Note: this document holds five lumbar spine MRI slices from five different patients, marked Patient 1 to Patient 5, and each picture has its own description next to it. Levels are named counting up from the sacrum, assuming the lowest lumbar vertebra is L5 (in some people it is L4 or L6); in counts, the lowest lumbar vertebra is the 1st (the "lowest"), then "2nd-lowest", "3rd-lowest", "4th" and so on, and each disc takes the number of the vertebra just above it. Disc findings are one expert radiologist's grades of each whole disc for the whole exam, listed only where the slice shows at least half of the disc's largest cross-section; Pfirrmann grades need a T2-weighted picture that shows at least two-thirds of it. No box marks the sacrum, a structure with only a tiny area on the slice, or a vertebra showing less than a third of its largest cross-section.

Patient 1 of 5:
Lumbar spine MR, T2-weighted, sagittal.
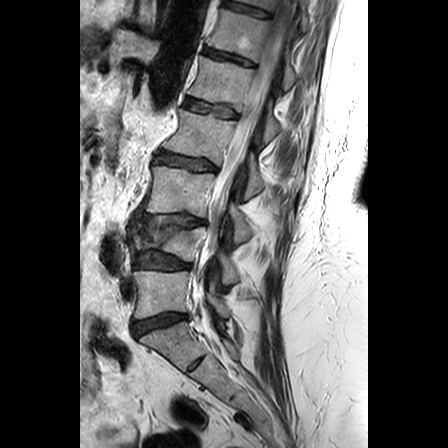
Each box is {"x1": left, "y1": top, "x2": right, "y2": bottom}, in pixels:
Segmented structures:
• 5th disc = {"x1": 184, "y1": 98, "x2": 237, "y2": 117}
• 7th disc = {"x1": 223, "y1": 0, "x2": 271, "y2": 18}
• 5th vertebra = {"x1": 188, "y1": 56, "x2": 280, "y2": 142}
• 3rd-lowest vertebra = {"x1": 146, "y1": 164, "x2": 250, "y2": 242}
• 4th disc = {"x1": 156, "y1": 151, "x2": 216, "y2": 170}
• lowest vertebra = {"x1": 134, "y1": 270, "x2": 230, "y2": 318}
• 4th vertebra = {"x1": 164, "y1": 108, "x2": 294, "y2": 199}
• spinal canal = {"x1": 193, "y1": 0, "x2": 289, "y2": 311}
• 7th vertebra = {"x1": 237, "y1": 0, "x2": 308, "y2": 30}
• 2nd-lowest vertebra = {"x1": 132, "y1": 223, "x2": 238, "y2": 284}
• 6th vertebra = {"x1": 206, "y1": 8, "x2": 295, "y2": 89}
• 6th disc = {"x1": 203, "y1": 47, "x2": 254, "y2": 66}
• lowest disc = {"x1": 131, "y1": 313, "x2": 187, "y2": 335}
• 2nd-lowest disc = {"x1": 133, "y1": 250, "x2": 190, "y2": 270}
• 3rd-lowest disc = {"x1": 137, "y1": 214, "x2": 206, "y2": 226}

Radiological gradings:
  7th disc: Pfirrmann grade 3, lower-endplate change
  2nd-lowest disc: Pfirrmann grade 3, disc bulging, lower-endplate change
  lowest disc: Pfirrmann grade 3, disc bulging
  3rd-lowest disc: Pfirrmann grade 3, disc bulging, upper-endplate change, lower-endplate change
  4th disc: Pfirrmann grade 3, lower-endplate change, upper-endplate change
  6th disc: Pfirrmann grade 3, upper-endplate change, lower-endplate change
  5th disc: Pfirrmann grade 2, upper-endplate change

Patient 2 of 5:
Sagittal T2-weighted lumbar spine MRI. Patient sex: M. Image 658x661. Field of view 308x310 mm. 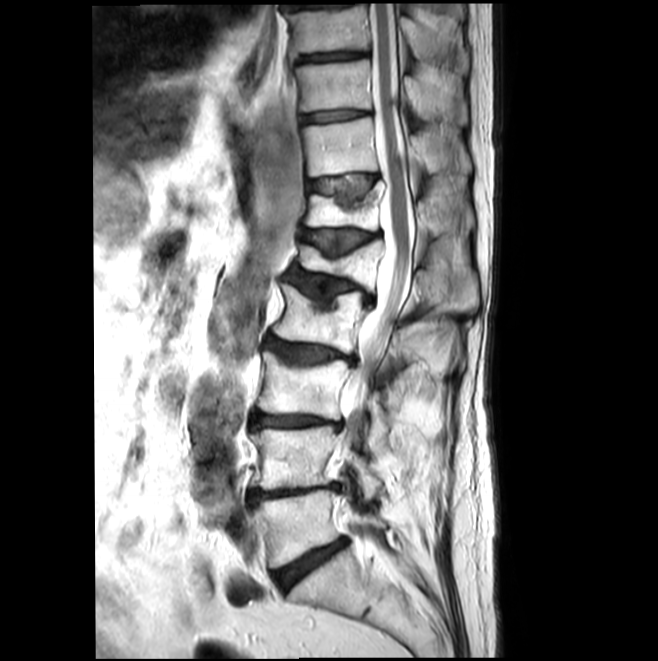

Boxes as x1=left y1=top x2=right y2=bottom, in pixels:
L3 vertebra at x1=257 y1=352 x2=387 y2=447, L5 vertebra at x1=254 y1=490 x2=385 y2=567, L1/L2 at x1=286 y1=269 x2=374 y2=302, T12 at x1=305 y1=179 x2=455 y2=235, T12/L1 at x1=301 y1=229 x2=378 y2=254, L1 vertebra at x1=295 y1=241 x2=477 y2=310, IVD T11/T12 at x1=309 y1=175 x2=377 y2=203, IVD L4/L5 at x1=250 y1=484 x2=337 y2=504, T9 at x1=285 y1=4 x2=447 y2=58, L4 vertebra at x1=251 y1=426 x2=382 y2=498, IVD L2/L3 at x1=265 y1=337 x2=351 y2=363, L3/L4 at x1=252 y1=412 x2=338 y2=428, T11 vertebra at x1=302 y1=117 x2=469 y2=176, L2 vertebra at x1=271 y1=283 x2=454 y2=364, IVD T10/T11 at x1=301 y1=110 x2=368 y2=122, thecal sac / spinal canal at x1=348 y1=4 x2=414 y2=553, L5/S1 at x1=274 y1=540 x2=345 y2=589, T10 vertebra at x1=296 y1=59 x2=467 y2=122, IVD T9/T10 at x1=296 y1=51 x2=368 y2=62.

Degenerative findings by level:
• T12/L1: Pfirrmann grade 3, upper-endplate change, disc narrowing, Modic type II
• L1/L2: Pfirrmann grade 3, upper-endplate change, Modic type II, spondylolisthesis, disc narrowing, disc bulging
• L3/L4: Pfirrmann grade 3, upper-endplate change, disc narrowing, disc bulging, lower-endplate change, Modic type II
• T10/T11: Pfirrmann grade 1
• T9/T10: Pfirrmann grade 1
• T11/T12: Pfirrmann grade 2, Modic type II, upper-endplate change
• L2/L3: Pfirrmann grade 3, disc bulging, upper-endplate change, Modic type II, disc narrowing
• L5/S1: Pfirrmann grade 3, Modic type II, disc narrowing, disc bulging

Patient 3 of 5:
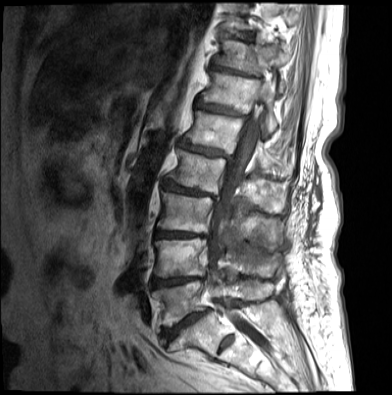 Patient sex: F | T1-weighted sagittal MRI of the lumbar spine

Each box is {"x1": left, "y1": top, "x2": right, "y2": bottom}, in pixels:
L2 vertebra — {"x1": 167, "y1": 148, "x2": 286, "y2": 213}.
L5 vertebra — {"x1": 152, "y1": 280, "x2": 271, "y2": 325}.
Thecal sac / spinal canal — {"x1": 208, "y1": 106, "x2": 259, "y2": 332}.
L4 vertebra — {"x1": 154, "y1": 237, "x2": 276, "y2": 278}.
Intervertebral disc L5/S1 — {"x1": 162, "y1": 309, "x2": 208, "y2": 340}.
Intervertebral disc T11/T12 — {"x1": 211, "y1": 65, "x2": 249, "y2": 75}.
L3/L4 — {"x1": 154, "y1": 230, "x2": 207, "y2": 237}.
L1 vertebra — {"x1": 185, "y1": 110, "x2": 291, "y2": 173}.
L3 — {"x1": 157, "y1": 191, "x2": 277, "y2": 250}.
L4/L5 — {"x1": 152, "y1": 278, "x2": 203, "y2": 288}.
Intervertebral disc T12/L1 — {"x1": 196, "y1": 100, "x2": 242, "y2": 115}.
T11 — {"x1": 215, "y1": 40, "x2": 290, "y2": 75}.
Intervertebral disc L1/L2 — {"x1": 179, "y1": 139, "x2": 232, "y2": 160}.
Intervertebral disc L2/L3 — {"x1": 162, "y1": 179, "x2": 216, "y2": 198}.
T12 vertebra — {"x1": 200, "y1": 72, "x2": 276, "y2": 133}.

Degenerative findings by level:
• L5/S1: Modic type II, disc narrowing, disc bulging, spondylolisthesis
• T12/L1: lower-endplate change, disc narrowing, disc bulging, upper-endplate change, Modic type II
• L2/L3: Modic type II, lower-endplate change, disc herniation, upper-endplate change, disc narrowing, disc bulging
• T11/T12: disc narrowing, Modic type II, disc bulging
• L3/L4: lower-endplate change, Modic type II, upper-endplate change, disc bulging, disc narrowing
• L4/L5: Modic type II, lower-endplate change, upper-endplate change, disc narrowing, disc bulging
• L1/L2: disc bulging, disc narrowing, lower-endplate change, Modic type II, upper-endplate change

Patient 4 of 5:
T2-weighted sagittal MRI of the lumbar spine; Slice 7/24; Scanner: Philips Healthcare Ingenia (3T)
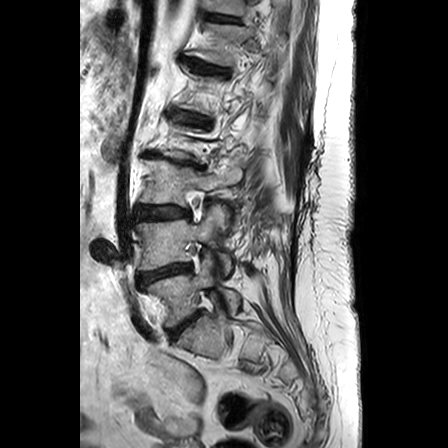

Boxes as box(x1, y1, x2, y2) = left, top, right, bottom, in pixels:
IVD L4/L5 (2nd-lowest disc): box(139, 264, 190, 283).
L1/L2 (5th disc): box(171, 111, 210, 130).
IVD L2/L3 (4th disc): box(144, 152, 205, 169).
L3 (3rd-lowest vertebra): box(140, 160, 241, 221).
L3/L4 (3rd-lowest disc): box(136, 206, 189, 218).
IVD T11/T12 (7th disc): box(208, 14, 235, 21).
L5 (lowest vertebra): box(146, 255, 239, 326).
T12/L1 (6th disc): box(186, 59, 227, 72).
L4 (2nd-lowest vertebra): box(137, 206, 231, 278).
L5/S1 (lowest disc): box(169, 312, 200, 340).

Radiological gradings:
  L4/L5 (2nd-lowest disc): Pfirrmann grade 4, disc narrowing, disc bulging
  T12/L1 (6th disc): Pfirrmann grade 3, disc narrowing
  L1/L2 (5th disc): Pfirrmann grade 3, Modic type II, disc narrowing
  L3/L4 (3rd-lowest disc): Pfirrmann grade 3, disc bulging
  L2/L3 (4th disc): disc bulging, spondylolisthesis, Modic type II, disc narrowing

Patient 5 of 5:
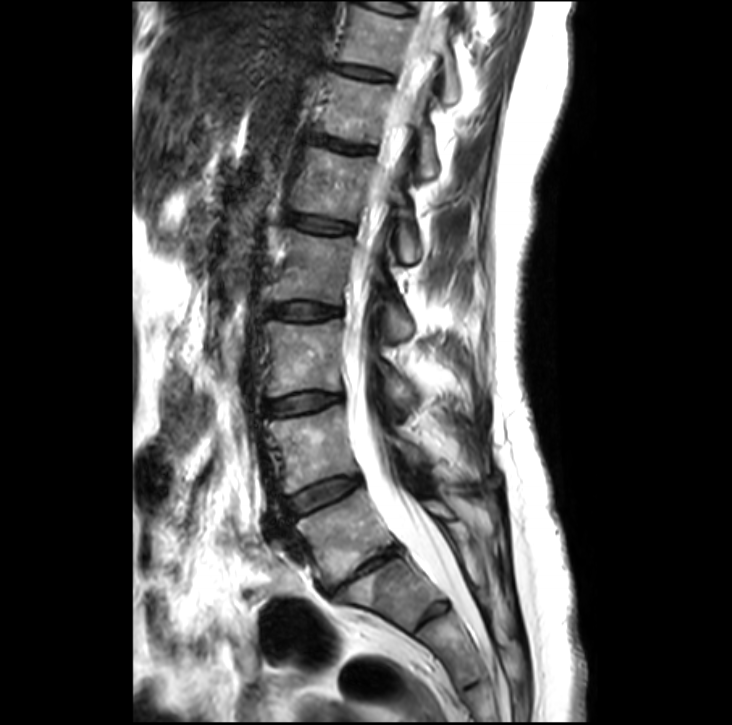

Patient sex: F | Lumbar spine MR, T2-weighted, sagittal | Slice 14 of 31 | Image 732x725
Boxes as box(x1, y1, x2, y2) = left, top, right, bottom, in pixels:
Intervertebral disc L4/L5 at box(284, 477, 360, 517).
L4 vertebra at box(264, 405, 485, 492).
Intervertebral disc L3/L4 at box(265, 393, 340, 411).
Intervertebral disc L5/S1 at box(323, 545, 398, 597).
Spinal canal at box(343, 0, 462, 593).
L1/L2 at box(287, 213, 351, 233).
T11 at box(338, 6, 459, 103).
L3 at box(265, 320, 415, 407).
T11/T12 at box(337, 64, 388, 78).
T12 at box(320, 73, 438, 179).
Intervertebral disc L2/L3 at box(268, 303, 337, 319).
L1 vertebra at box(289, 148, 422, 262).
T12/L1 at box(315, 136, 370, 151).
L2 at box(270, 228, 411, 340).
L5 at box(293, 488, 495, 587).

Radiological gradings:
• L1/L2: Pfirrmann grade 2
• L5/S1: Pfirrmann grade 5, disc bulging, Modic type II, disc narrowing, upper-endplate change, lower-endplate change
• L2/L3: Pfirrmann grade 2
• L3/L4: Pfirrmann grade 2, disc bulging
• L4/L5: Pfirrmann grade 3, disc bulging
• T11/T12, T12/L1: no spondylolisthesis, narrowing, bulging, herniation, Modic or endplate change recorded